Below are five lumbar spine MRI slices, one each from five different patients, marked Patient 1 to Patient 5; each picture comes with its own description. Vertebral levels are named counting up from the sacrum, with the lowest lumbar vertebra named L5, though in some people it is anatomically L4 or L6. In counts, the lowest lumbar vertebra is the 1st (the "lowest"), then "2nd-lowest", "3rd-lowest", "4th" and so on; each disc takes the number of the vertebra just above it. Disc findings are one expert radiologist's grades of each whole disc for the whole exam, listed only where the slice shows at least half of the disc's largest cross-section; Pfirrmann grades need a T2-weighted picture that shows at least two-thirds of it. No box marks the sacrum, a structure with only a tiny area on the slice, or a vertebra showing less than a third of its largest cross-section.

Patient 1 of 5:
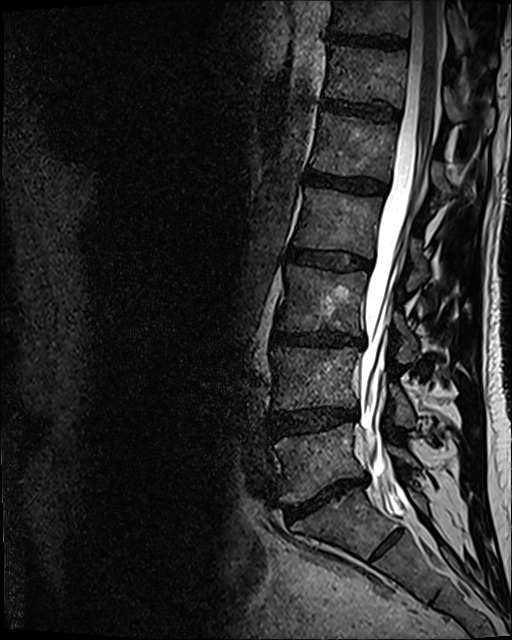

Field of view 240x300 mm. 512x640 px. MRI lumbar spine (T2 SPACE (3D)), sagittal plane. Sagittal slice index 57.
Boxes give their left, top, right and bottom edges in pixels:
IVD L3/L4: left=274, top=331, right=364, bottom=347.
L4 vertebra: left=272, top=347, right=414, bottom=426.
T11: left=331, top=0, right=472, bottom=56.
L3: left=279, top=265, right=417, bottom=363.
T12: left=325, top=45, right=493, bottom=133.
Thecal sac / spinal canal: left=360, top=1, right=443, bottom=511.
L5/S1: left=285, top=476, right=366, bottom=520.
IVD L2/L3: left=290, top=249, right=371, bottom=270.
L1 vertebra: left=311, top=112, right=451, bottom=206.
L4/L5: left=273, top=408, right=358, bottom=436.
L1/L2: left=305, top=170, right=387, bottom=194.
IVD T12/L1: left=323, top=100, right=400, bottom=119.
L2 vertebra: left=294, top=187, right=427, bottom=290.
IVD T11/T12: left=328, top=33, right=407, bottom=49.
L5: left=275, top=424, right=419, bottom=504.

Radiological gradings:
- L3/L4: Pfirrmann grade 4, lower-endplate change, disc narrowing, disc bulging
- L5/S1: Pfirrmann grade 5, Modic type II, disc narrowing, disc bulging
- L4/L5: Pfirrmann grade 3, disc narrowing, disc bulging
- L1/L2: Pfirrmann grade 4
- T11/T12: Pfirrmann grade 4
- T12/L1: Pfirrmann grade 3
- L2/L3: Pfirrmann grade 3, disc bulging

Patient 2 of 5:
Lumbar spine MR, T2 SPACE (3D), sagittal. Image 512x640. Patient sex: M.
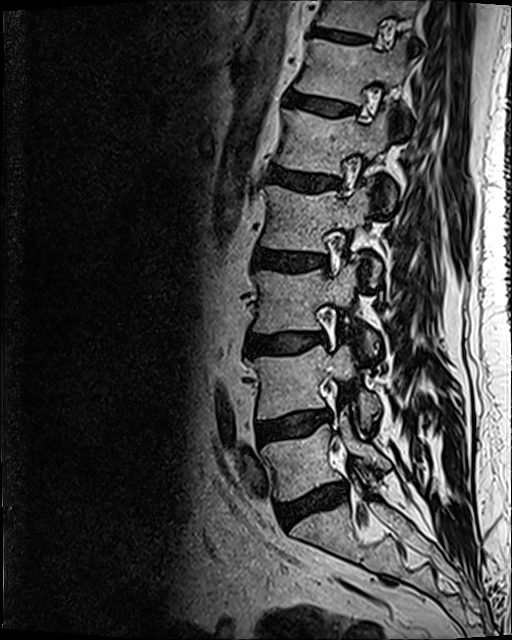
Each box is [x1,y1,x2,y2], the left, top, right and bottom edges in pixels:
L2/L3 (4th disc): [254,249,324,269]
L1 (5th vertebra): [275,110,396,208]
T12/L1 (6th disc): [289,90,356,114]
L4 (2nd-lowest vertebra): [254,344,380,426]
T11 (7th vertebra): [319,0,418,35]
L4/L5 (2nd-lowest disc): [257,411,328,443]
L5 (lowest vertebra): [261,414,390,501]
L3/L4 (3rd-lowest disc): [244,332,320,355]
IVD L5/S1 (lowest disc): [276,484,346,526]
L3 (3rd-lowest vertebra): [252,261,376,354]
L2 (4th vertebra): [262,182,381,286]
IVD L1/L2 (5th disc): [268,166,340,193]
T12 (6th vertebra): [295,39,408,130]
T11/T12 (7th disc): [313,27,371,43]

Per-level radiological findings:
- T11/T12 (7th disc): Pfirrmann grade 3
- L1/L2 (5th disc): Pfirrmann grade 3, disc bulging
- T12/L1 (6th disc): Pfirrmann grade 2
- L4/L5 (2nd-lowest disc): Pfirrmann grade 2, disc bulging, Modic type II
- L5/S1 (lowest disc): Pfirrmann grade 3, Modic type II, disc narrowing, disc bulging
- L3/L4 (3rd-lowest disc): Pfirrmann grade 2, disc bulging, Modic type II
- L2/L3 (4th disc): Pfirrmann grade 3, disc bulging

Patient 3 of 5:
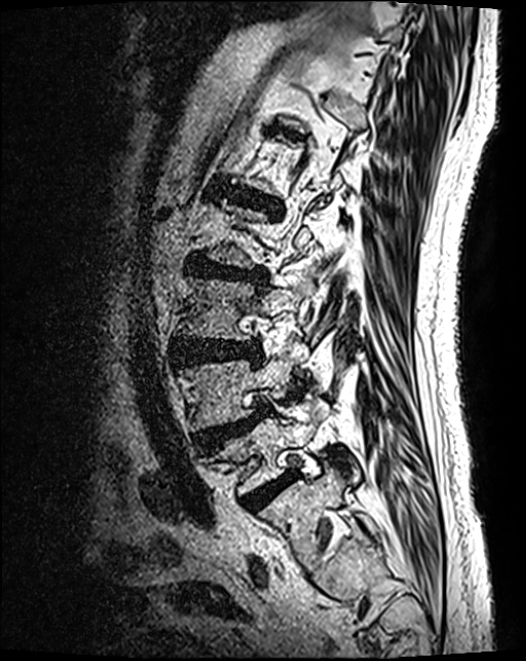

MRI lumbar spine (T2 SPACE (3D)), sagittal plane, Slice 35 of 124, Field of view 240x302 mm, slice spacing 0.9 mm

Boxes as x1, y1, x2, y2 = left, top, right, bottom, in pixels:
{"3rd-lowest vertebra": "179, 278, 303, 341", "3rd-lowest disc": "175, 341, 257, 364", "lowest vertebra": "214, 407, 324, 495", "2nd-lowest vertebra": "181, 358, 293, 431", "2nd-lowest disc": "197, 409, 267, 450", "lowest disc": "243, 473, 296, 510", "5th disc": "228, 188, 281, 212", "4th disc": "188, 259, 266, 284"}

Radiological gradings:
  3rd-lowest disc: Pfirrmann grade 4, disc bulging
  5th disc: upper-endplate change, lower-endplate change, disc bulging
  4th disc: Pfirrmann grade 4, disc narrowing, disc bulging, upper-endplate change, lower-endplate change
  lowest disc: no Modic or endplate change, herniation, narrowing, bulging or spondylolisthesis recorded

Patient 4 of 5:
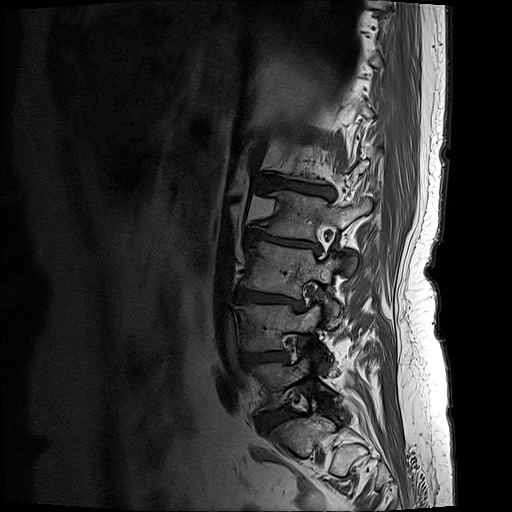
Lumbar spine MR, T1-weighted, sagittal, Slice 17/21, 512x512 px

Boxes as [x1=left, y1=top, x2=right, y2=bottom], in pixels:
L5/S1 at [x1=258, y1=407, x2=291, y2=429], L4/L5 at [x1=242, y1=349, x2=288, y2=366], disc L3/L4 at [x1=234, y1=289, x2=303, y2=310], L1/L2 at [x1=266, y1=178, x2=333, y2=197], L3 vertebra at [x1=242, y1=242, x2=341, y2=326], disc L2/L3 at [x1=245, y1=230, x2=318, y2=251], L4 vertebra at [x1=234, y1=305, x2=320, y2=351], L5 vertebra at [x1=254, y1=351, x2=330, y2=410], L2 vertebra at [x1=255, y1=191, x2=371, y2=239].

Per-level radiological findings:
  L2/L3: upper-endplate change, disc narrowing, Modic type II, lower-endplate change, disc bulging
  L1/L2: Modic type II, disc bulging, lower-endplate change, disc narrowing, upper-endplate change
  L4/L5: lower-endplate change, upper-endplate change, disc bulging
  L3/L4: upper-endplate change, lower-endplate change, Modic type II, disc bulging, disc narrowing

Patient 5 of 5:
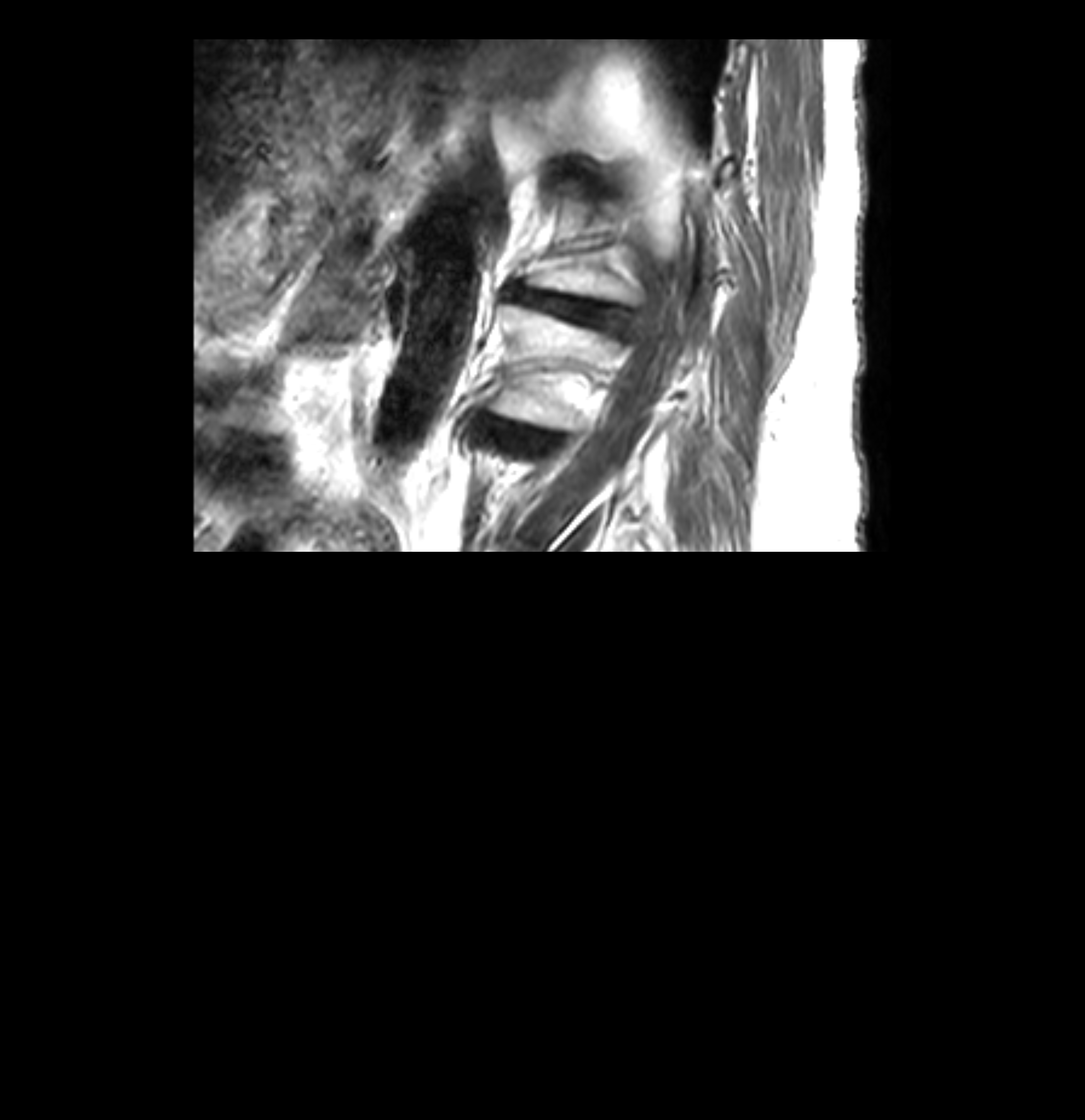 Sex F, MRI lumbar spine (T2-weighted), sagittal plane
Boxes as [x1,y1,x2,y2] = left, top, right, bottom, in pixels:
L1/L2 = [508,280,632,336].
L2 vertebra = [484,304,617,430].
Disc L2/L3 = [475,412,564,456].

Degenerative findings by level:
- L2/L3: disc narrowing, upper-endplate change, Modic type II, lower-endplate change, disc bulging
- L1/L2: Pfirrmann grade 5, upper-endplate change, lower-endplate change, Modic type II, disc bulging, disc narrowing